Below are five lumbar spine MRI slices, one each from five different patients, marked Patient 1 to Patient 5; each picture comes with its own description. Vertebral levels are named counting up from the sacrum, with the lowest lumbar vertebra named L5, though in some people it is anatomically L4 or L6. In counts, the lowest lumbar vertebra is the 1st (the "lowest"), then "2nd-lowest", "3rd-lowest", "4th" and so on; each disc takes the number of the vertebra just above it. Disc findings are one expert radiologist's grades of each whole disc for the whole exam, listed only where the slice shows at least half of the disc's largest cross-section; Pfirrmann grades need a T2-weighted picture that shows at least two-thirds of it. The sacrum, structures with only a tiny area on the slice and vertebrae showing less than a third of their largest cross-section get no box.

Patient 1 of 5:
SIEMENS Avanto_fit (1.5T). Patient sex: F. Slice 65 of 120. Lumbar spine MR, T2 SPACE (3D), sagittal. 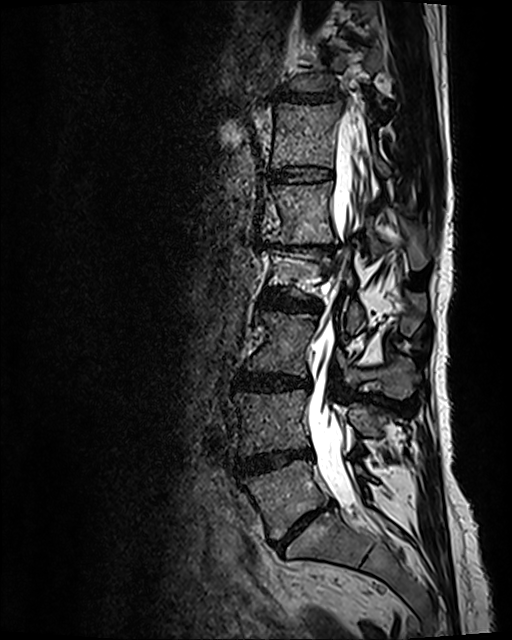
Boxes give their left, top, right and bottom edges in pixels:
T12 vertebra = left=271, top=103, right=389, bottom=176 | L1/L2 = left=268, top=241, right=338, bottom=252 | L3 vertebra = left=246, top=312, right=418, bottom=398 | disc L5/S1 = left=275, top=503, right=330, bottom=549 | L1 vertebra = left=262, top=181, right=428, bottom=270 | T11 = left=289, top=48, right=383, bottom=102 | disc L3/L4 = left=235, top=371, right=309, bottom=391 | L2/L3 = left=261, top=290, right=320, bottom=311 | T11/T12 = left=275, top=89, right=344, bottom=105 | L5 vertebra = left=241, top=460, right=371, bottom=539 | thecal sac / spinal canal = left=307, top=117, right=369, bottom=500 | L4 = left=234, top=389, right=382, bottom=456 | L4/L5 = left=237, top=450, right=311, bottom=474 | disc T12/L1 = left=269, top=165, right=333, bottom=183

Per-level radiological findings:
  L1/L2: Pfirrmann grade 5, upper-endplate change, lower-endplate change, disc bulging, Modic type II, disc narrowing
  T12/L1: Pfirrmann grade 2
  L3/L4: Pfirrmann grade 3, disc bulging
  L5/S1: lower-endplate change, disc narrowing, disc bulging, upper-endplate change, Modic type II
  T11/T12: Pfirrmann grade 3, disc bulging, disc narrowing
  L2/L3: disc bulging, disc narrowing
  L4/L5: Pfirrmann grade 4, disc narrowing, disc bulging, Modic type II

Patient 2 of 5:
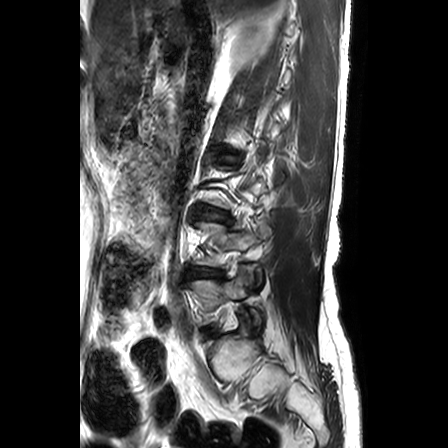 Image 448x448, Patient sex: F, T2-weighted sagittal MRI of the lumbar spine

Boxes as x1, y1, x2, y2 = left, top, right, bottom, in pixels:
L4/L5 (2nd-lowest disc) at 188, 268, 219, 276; IVD L3/L4 (3rd-lowest disc) at 196, 206, 230, 222; L5 (lowest vertebra) at 191, 265, 262, 332.

Expert MSK radiologist gradings (per disc):
  L3/L4 (3rd-lowest disc): disc bulging, lower-endplate change, upper-endplate change

Patient 3 of 5:
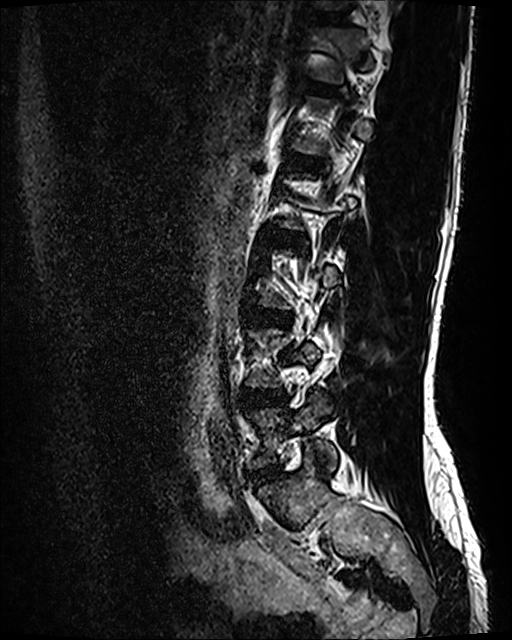 Sagittal T2 SPACE (3D) lumbar spine MRI, 512x640 px, Field of view 240x300 mm, slice spacing 0.9 mm
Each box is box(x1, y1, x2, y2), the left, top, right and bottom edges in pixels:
Structures:
- disc L1/L2 (5th disc) at box(291, 156, 324, 170)
- L3/L4 (3rd-lowest disc) at box(249, 307, 290, 325)
- L5 (lowest vertebra) at box(249, 393, 338, 470)
- disc L2/L3 (4th disc) at box(271, 232, 303, 244)
- disc L5/S1 (lowest disc) at box(255, 466, 274, 481)
- T12/L1 (6th disc) at box(307, 83, 335, 93)
- L4/L5 (2nd-lowest disc) at box(241, 388, 282, 403)
- disc T11/T12 (7th disc) at box(316, 12, 346, 22)

Patient 4 of 5:
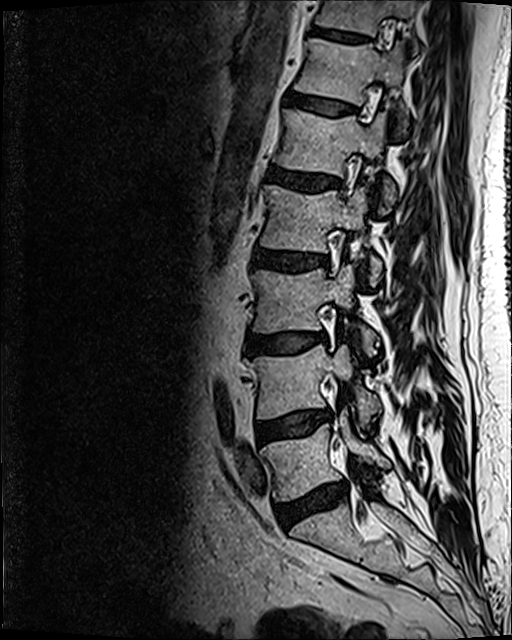

Lumbar spine MR, T2 SPACE (3D), sagittal, 512x640 px, Sex M

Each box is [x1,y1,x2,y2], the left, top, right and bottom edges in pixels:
L2/L3 at [253,249,325,269].
L2 at [260,185,381,286].
Disc T12/L1 at [288,91,357,115].
T12 at [294,39,408,133].
L4/L5 at [257,411,325,443].
L4 vertebra at [252,344,380,424].
L3 at [252,263,376,355].
T11 at [317,0,416,35].
L1/L2 at [267,166,342,192].
L1 at [274,109,396,209].
Disc T11/T12 at [311,26,371,43].
L5 vertebra at [260,414,390,501].
Disc L3/L4 at [243,331,319,355].
Disc L5/S1 at [275,484,346,526].

Per-level radiological findings:
  L1/L2: Pfirrmann grade 3, disc bulging
  L3/L4: Pfirrmann grade 2, disc bulging, Modic type II
  T11/T12: Pfirrmann grade 3
  L5/S1: Pfirrmann grade 3, Modic type II, disc narrowing, disc bulging
  L2/L3: Pfirrmann grade 3, disc bulging
  T12/L1: Pfirrmann grade 2
  L4/L5: Pfirrmann grade 2, Modic type II, disc bulging

Patient 5 of 5:
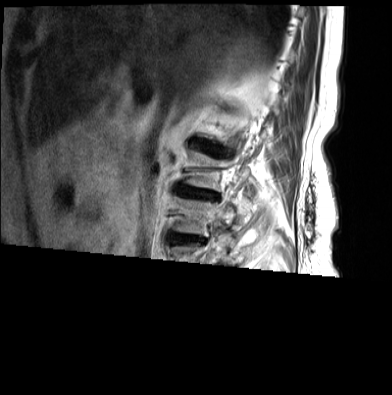 Sex F | Image 392x395 | Lumbar spine MR, T2-weighted, sagittal
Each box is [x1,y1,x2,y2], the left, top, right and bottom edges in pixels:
Segmented structures:
• IVD L1/L2 — [190,139,206,151]
• L3 vertebra — [172,197,249,235]
• IVD L2/L3 — [172,185,214,197]

Radiological gradings:
• L2/L3: Pfirrmann grade 3, disc herniation, upper-endplate change, Modic type II, disc narrowing, disc bulging, lower-endplate change